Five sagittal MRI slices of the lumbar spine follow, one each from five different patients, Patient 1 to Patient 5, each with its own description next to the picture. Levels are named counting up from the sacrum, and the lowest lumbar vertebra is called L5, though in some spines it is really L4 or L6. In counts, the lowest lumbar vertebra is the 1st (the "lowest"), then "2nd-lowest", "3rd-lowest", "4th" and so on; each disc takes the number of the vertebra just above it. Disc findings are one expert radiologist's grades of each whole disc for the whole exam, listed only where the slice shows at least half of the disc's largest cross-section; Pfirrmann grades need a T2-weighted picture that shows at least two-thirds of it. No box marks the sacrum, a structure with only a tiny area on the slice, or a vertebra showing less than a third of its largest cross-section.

Patient 1 of 5:
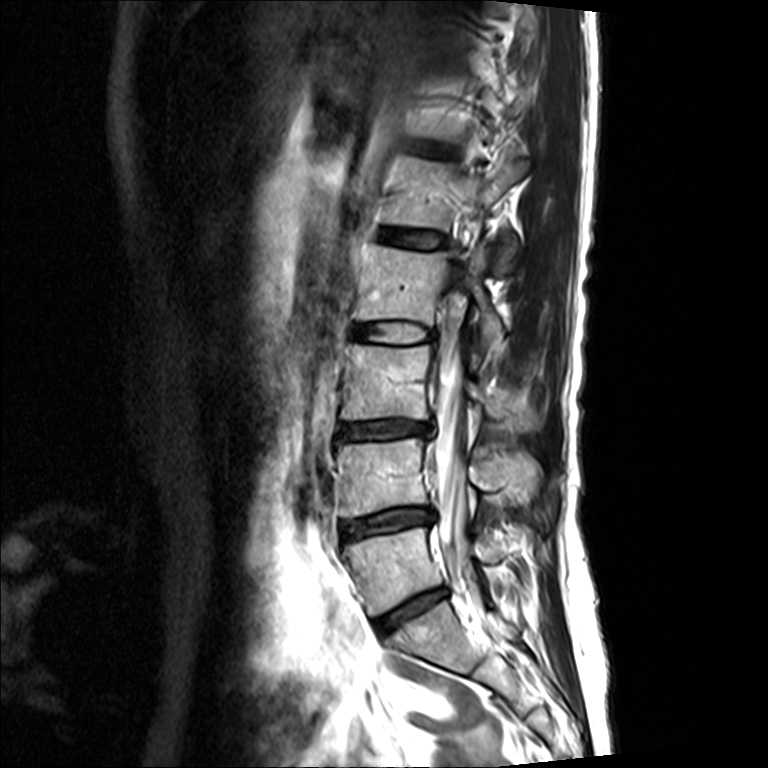 768x768 px | MRI lumbar spine (T2-weighted), sagittal plane

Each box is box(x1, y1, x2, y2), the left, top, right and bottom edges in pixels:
Segmented structures:
- 2nd-lowest vertebra = box(338, 437, 533, 517)
- 5th disc = box(382, 228, 447, 247)
- 3rd-lowest disc = box(339, 420, 432, 438)
- 3rd-lowest vertebra = box(342, 343, 536, 427)
- lowest vertebra = box(342, 526, 498, 614)
- lowest disc = box(375, 587, 447, 634)
- spinal canal = box(435, 296, 471, 581)
- 2nd-lowest disc = box(342, 508, 436, 540)
- 5th vertebra = box(387, 159, 528, 277)
- 4th vertebra = box(354, 242, 504, 344)
- 4th disc = box(354, 322, 432, 342)

Per-level radiological findings:
• 5th disc: Pfirrmann grade 2
• 3rd-lowest disc: Pfirrmann grade 4, disc bulging, disc narrowing
• 2nd-lowest disc: Pfirrmann grade 4, disc narrowing, disc bulging
• lowest disc: Pfirrmann grade 4, disc narrowing, disc bulging
• 4th disc: Pfirrmann grade 2, Modic type II

Patient 2 of 5:
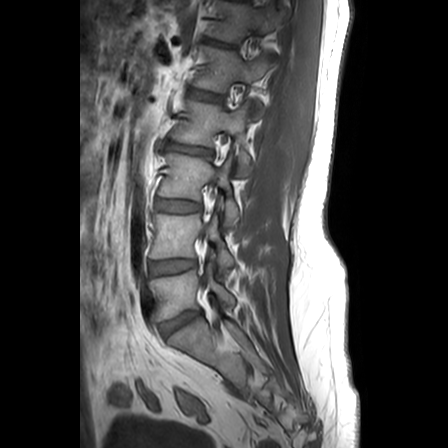
Sagittal T1-weighted lumbar spine MRI, Slice spacing 3.3 mm, Patient sex: M, Slice 17 of 24, 448x448 px

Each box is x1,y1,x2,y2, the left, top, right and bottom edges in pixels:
3rd-lowest disc at 156,199,200,212; 3rd-lowest vertebra at 159,153,239,225; 4th vertebra at 173,101,261,173; 2nd-lowest vertebra at 150,214,234,270; 5th vertebra at 191,46,272,110; 2nd-lowest disc at 150,260,195,275; lowest vertebra at 150,264,235,320; 5th disc at 188,89,223,100; 4th disc at 168,143,211,154; 6th vertebra at 207,0,278,43; lowest disc at 159,311,200,336; 6th disc at 205,39,230,47.

Radiological gradings:
• lowest disc: disc herniation
• 2nd-lowest disc: lower-endplate change
• 3rd-lowest disc: upper-endplate change
• 4th disc: lower-endplate change, disc bulging, disc narrowing, upper-endplate change

Patient 3 of 5:
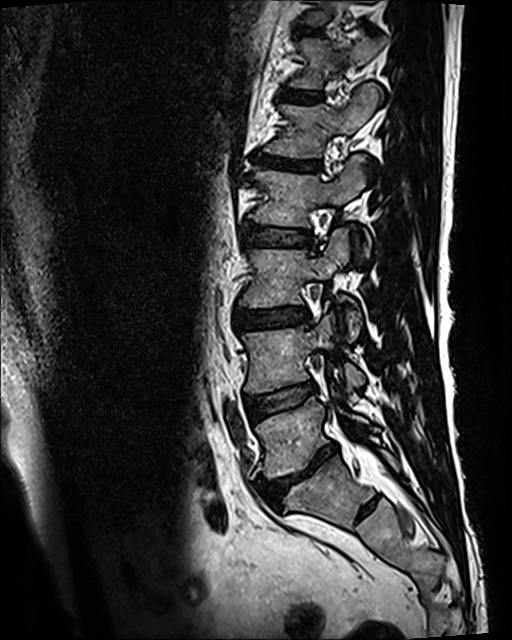

MRI lumbar spine (T2 SPACE (3D)), sagittal plane | Slice 42 of 120 | Field of view 240x300 mm

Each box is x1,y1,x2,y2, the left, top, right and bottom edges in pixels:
L1 — 265,82,383,158 | disc L1/L2 — 256,157,320,171 | L2 vertebra — 251,155,369,256 | L5/S1 — 257,445,336,506 | disc T11/T12 — 303,29,321,36 | disc L2/L3 — 242,224,313,246 | L4 — 242,311,364,393 | L3/L4 — 235,307,310,331 | T12/L1 — 283,90,322,102 | L3 — 240,228,361,339 | T12 vertebra — 289,36,388,89 | L5 — 256,397,377,477 | L4/L5 — 246,382,315,418

Degenerative findings by level:
  L2/L3: Pfirrmann grade 3
  L3/L4: Pfirrmann grade 3, upper-endplate change, lower-endplate change, disc bulging
  L5/S1: Pfirrmann grade 5, lower-endplate change, disc narrowing, Modic type II, upper-endplate change, disc bulging
  L4/L5: Pfirrmann grade 3, Modic type II
  T12/L1: no Modic or endplate change, herniation, narrowing, bulging or spondylolisthesis recorded

Patient 4 of 5:
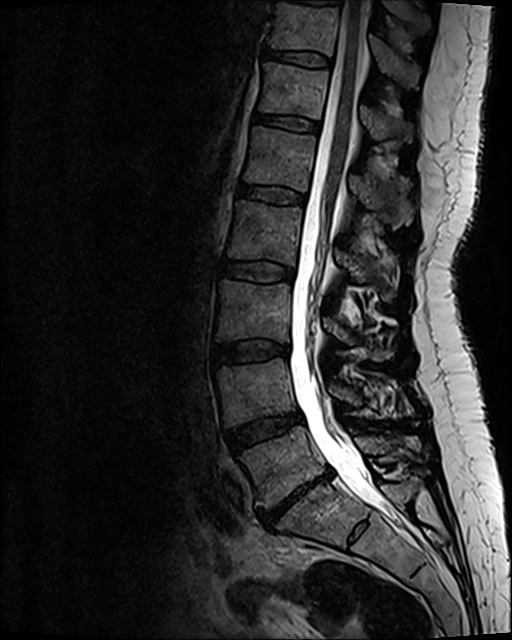 Sex F | T2 SPACE (3D) sagittal MRI of the lumbar spine
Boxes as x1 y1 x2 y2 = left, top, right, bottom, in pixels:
Structures:
• L3/L4 = 212 341 288 364
• T11/T12 = 266 51 329 65
• L2 vertebra = 227 201 393 301
• spinal canal = 290 1 396 520
• L2/L3 = 219 260 293 280
• disc L4/L5 = 226 411 301 451
• L3 vertebra = 216 281 391 359
• L5 vertebra = 239 426 419 507
• L4 vertebra = 216 358 362 425
• T12 vertebra = 259 63 410 140
• L1 vertebra = 244 127 411 228
• disc T12/L1 = 255 114 318 131
• disc L5/S1 = 256 470 331 526
• T11 vertebra = 271 3 416 84
• disc L1/L2 = 238 184 305 204

Expert MSK radiologist gradings (per disc):
  L4/L5: Pfirrmann grade 3, disc bulging
  T12/L1: Pfirrmann grade 2
  L1/L2: Pfirrmann grade 2
  L3/L4: Pfirrmann grade 2, disc bulging
  T11/T12: Pfirrmann grade 2
  L2/L3: Pfirrmann grade 2
  L5/S1: Pfirrmann grade 5, lower-endplate change, upper-endplate change, disc bulging, disc narrowing, Modic type III, disc herniation

Patient 5 of 5:
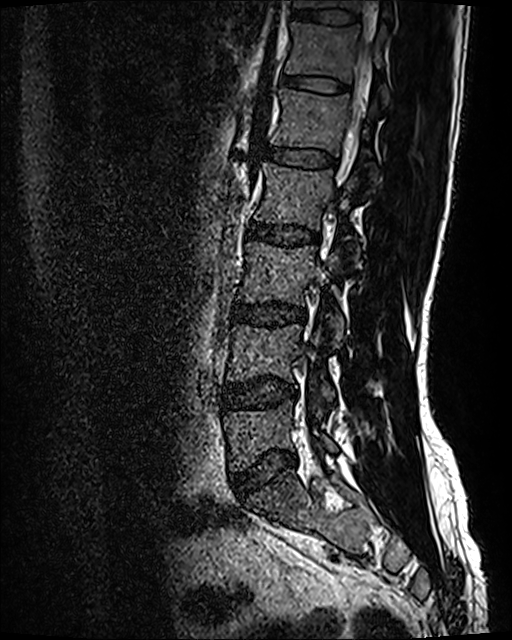 Sex M | Lumbar spine MR, T2 SPACE (3D), sagittal | Slice 71/120
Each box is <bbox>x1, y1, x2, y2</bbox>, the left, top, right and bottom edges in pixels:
• 5th vertebra = <bbox>270, 88, 377, 180</bbox>
• 6th disc = <bbox>282, 75, 348, 92</bbox>
• 2nd-lowest vertebra = <bbox>227, 325, 334, 400</bbox>
• 3rd-lowest vertebra = <bbox>238, 241, 345, 344</bbox>
• 4th vertebra = <bbox>253, 162, 358, 257</bbox>
• 4th disc = <bbox>248, 222, 318, 245</bbox>
• 6th vertebra = <bbox>285, 22, 388, 102</bbox>
• 3rd-lowest disc = <bbox>231, 304, 305, 325</bbox>
• lowest vertebra = <bbox>224, 401, 336, 471</bbox>
• lowest disc = <bbox>231, 452, 296, 495</bbox>
• thecal sac / spinal canal = <bbox>339, 1, 378, 186</bbox>
• 2nd-lowest disc = <bbox>223, 377, 296, 407</bbox>
• 7th disc = <bbox>290, 8, 357, 25</bbox>
• 5th disc = <bbox>265, 146, 335, 167</bbox>
• 7th vertebra = <bbox>294, 0, 390, 12</bbox>

Radiological gradings:
  3rd-lowest disc: Pfirrmann grade 2, disc bulging
  7th disc: Pfirrmann grade 2
  2nd-lowest disc: Pfirrmann grade 2, disc bulging
  4th disc: Pfirrmann grade 2
  lowest disc: Pfirrmann grade 2, disc bulging
  5th disc: Pfirrmann grade 2
  6th disc: Pfirrmann grade 2